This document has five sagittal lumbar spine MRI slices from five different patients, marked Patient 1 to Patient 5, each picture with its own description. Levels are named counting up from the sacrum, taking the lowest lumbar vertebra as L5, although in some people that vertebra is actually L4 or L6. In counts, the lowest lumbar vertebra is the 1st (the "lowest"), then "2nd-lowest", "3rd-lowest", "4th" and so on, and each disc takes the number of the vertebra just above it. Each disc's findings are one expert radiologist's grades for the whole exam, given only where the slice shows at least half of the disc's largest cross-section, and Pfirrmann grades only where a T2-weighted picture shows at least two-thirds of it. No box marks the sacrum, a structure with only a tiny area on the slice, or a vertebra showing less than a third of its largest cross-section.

Patient 1 of 5:
Field of view 240x300 mm, slice spacing 0.9 mm, MRI lumbar spine (T2 SPACE (3D)), sagittal plane, Slice 32/120, Patient sex: M
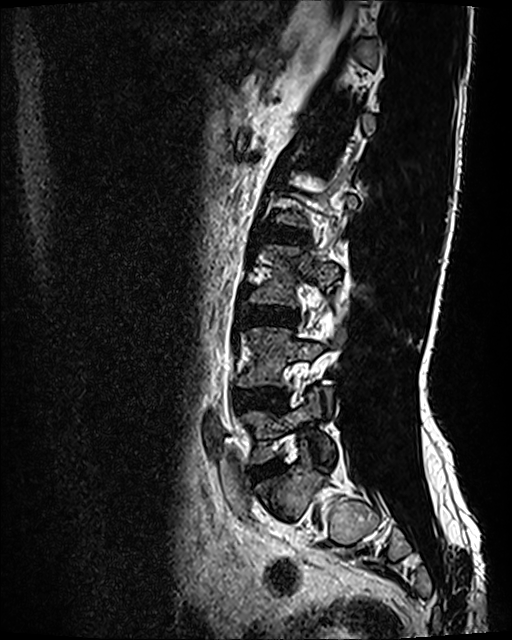

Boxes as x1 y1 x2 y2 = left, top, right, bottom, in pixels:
Segmented structures:
* disc L3/L4 (3rd-lowest disc) at 246 306 295 323
* L4/L5 (2nd-lowest disc) at 235 390 280 408
* L5 (lowest vertebra) at 245 389 334 464
* disc L5/S1 (lowest disc) at 252 464 279 479
* L2/L3 (4th disc) at 269 228 305 243
* L4 (2nd-lowest vertebra) at 239 328 345 405

Patient 2 of 5:
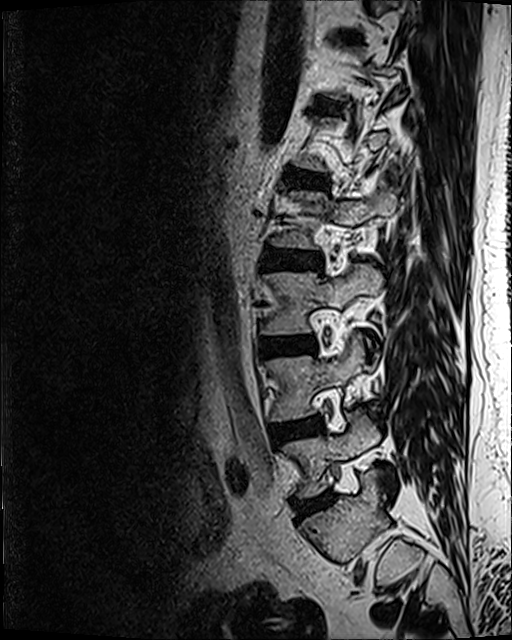 Sagittal slice index 86; MRI lumbar spine (T2 SPACE (3D)), sagittal plane
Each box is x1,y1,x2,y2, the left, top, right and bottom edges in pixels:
T12/L1 at 313,103,340,113; L2 vertebra at 271,189,396,248; L2/L3 at 265,249,318,269; L5/S1 at 293,492,332,519; disc L4/L5 at 270,421,321,443; L3 at 261,265,383,343; T11/T12 at 344,36,360,41; L5 vertebra at 282,408,379,496; L4 vertebra at 266,333,364,421; L1/L2 at 286,171,329,189; disc L3/L4 at 262,344,304,354.

Expert MSK radiologist gradings (per disc):
- L2/L3: disc bulging

Patient 3 of 5:
T1-weighted sagittal MRI of the lumbar spine | Image 320x320
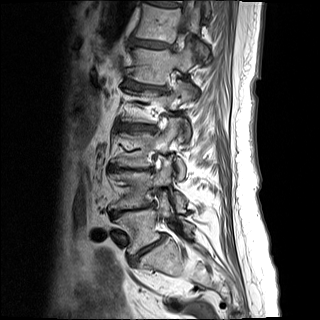

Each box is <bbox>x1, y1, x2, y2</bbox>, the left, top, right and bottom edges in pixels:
7th disc: <bbox>152, 2, 180, 7</bbox>.
3rd-lowest disc: <bbox>109, 166, 153, 170</bbox>.
Lowest vertebra: <bbox>116, 193, 193, 254</bbox>.
5th disc: <bbox>123, 81, 166, 91</bbox>.
4th disc: <bbox>118, 123, 156, 131</bbox>.
Spinal canal: <bbox>178, 9, 190, 54</bbox>.
4th vertebra: <bbox>122, 81, 196, 138</bbox>.
6th disc: <bbox>132, 39, 170, 48</bbox>.
5th vertebra: <bbox>128, 44, 194, 84</bbox>.
3rd-lowest vertebra: <bbox>111, 118, 185, 179</bbox>.
2nd-lowest disc: <bbox>112, 204, 153, 217</bbox>.
Lowest disc: <bbox>131, 236, 164, 262</bbox>.
2nd-lowest vertebra: <bbox>110, 159, 186, 211</bbox>.
6th vertebra: <bbox>135, 4, 209, 57</bbox>.

Degenerative findings by level:
• 4th disc: lower-endplate change, upper-endplate change, disc narrowing, Modic type II, disc bulging
• 6th disc: disc bulging, Modic type II, lower-endplate change, upper-endplate change
• 5th disc: disc bulging, Modic type II, disc narrowing, lower-endplate change, upper-endplate change
• 3rd-lowest disc: disc narrowing, lower-endplate change, upper-endplate change, disc bulging, Modic type II
• 7th disc: Modic type II, disc bulging, lower-endplate change, upper-endplate change

Patient 4 of 5:
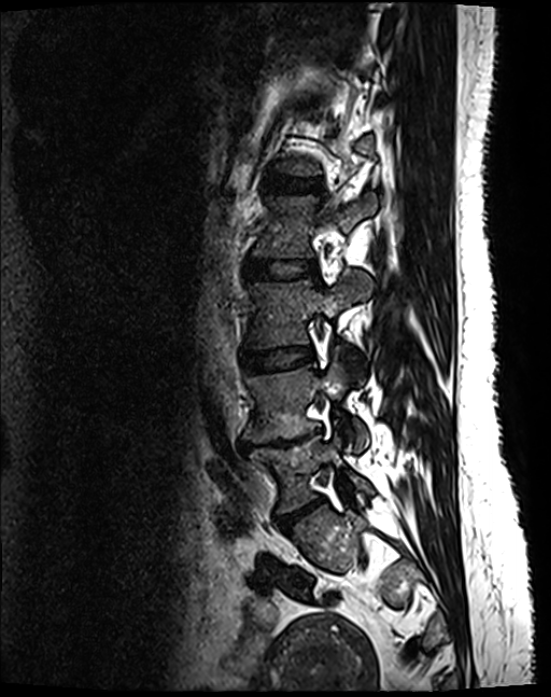

Patient sex: F; Lumbar spine MR, T2 SPACE (3D), sagittal; Sagittal slice index 48; 551x697 px

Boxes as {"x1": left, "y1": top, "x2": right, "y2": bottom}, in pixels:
Segmented structures:
* L2: {"x1": 253, "y1": 194, "x2": 377, "y2": 257}
* L4/L5: {"x1": 240, "y1": 431, "x2": 320, "y2": 450}
* L3 vertebra: {"x1": 247, "y1": 272, "x2": 373, "y2": 347}
* L1/L2: {"x1": 266, "y1": 178, "x2": 319, "y2": 190}
* L5: {"x1": 249, "y1": 435, "x2": 371, "y2": 512}
* intervertebral disc L5/S1: {"x1": 276, "y1": 497, "x2": 324, "y2": 526}
* L3/L4: {"x1": 240, "y1": 347, "x2": 311, "y2": 370}
* L4: {"x1": 244, "y1": 362, "x2": 368, "y2": 451}
* intervertebral disc L2/L3: {"x1": 244, "y1": 260, "x2": 315, "y2": 277}

Per-level radiological findings:
  L3/L4: Pfirrmann grade 2
  L2/L3: Pfirrmann grade 2
  L1/L2: no Modic or endplate change, herniation, narrowing, bulging or spondylolisthesis recorded

Patient 5 of 5:
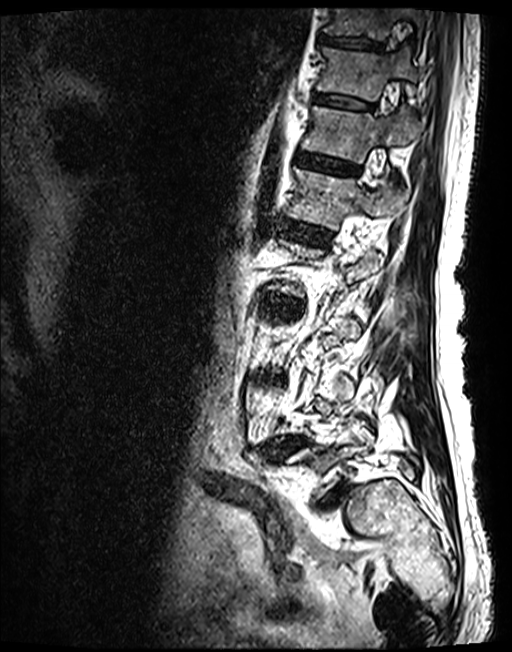
Lumbar spine MR, T2 SPACE (3D), sagittal | Image 512x652 | Sagittal slice index 45

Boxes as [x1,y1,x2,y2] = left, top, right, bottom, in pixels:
7th disc: [312,93,373,109]
7th vertebra: [317,48,419,115]
6th vertebra: [301,106,420,163]
5th disc: [286,222,331,244]
4th disc: [265,294,297,309]
6th disc: [295,152,358,174]
8th disc: [318,34,384,50]
8th vertebra: [323,8,422,46]
5th vertebra: [287,169,406,229]

Per-level radiological findings:
  5th disc: Pfirrmann grade 3
  7th disc: Pfirrmann grade 3
  6th disc: Pfirrmann grade 3
  8th disc: Pfirrmann grade 3